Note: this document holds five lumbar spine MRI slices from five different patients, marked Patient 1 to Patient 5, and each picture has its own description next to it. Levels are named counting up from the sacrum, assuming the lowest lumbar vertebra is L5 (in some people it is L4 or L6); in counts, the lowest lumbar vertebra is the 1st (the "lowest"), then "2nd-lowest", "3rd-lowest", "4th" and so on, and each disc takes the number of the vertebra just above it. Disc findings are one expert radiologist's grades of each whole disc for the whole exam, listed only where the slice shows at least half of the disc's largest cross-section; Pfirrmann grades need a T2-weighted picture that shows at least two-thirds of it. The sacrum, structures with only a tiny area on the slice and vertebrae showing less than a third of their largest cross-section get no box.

Patient 1 of 5:
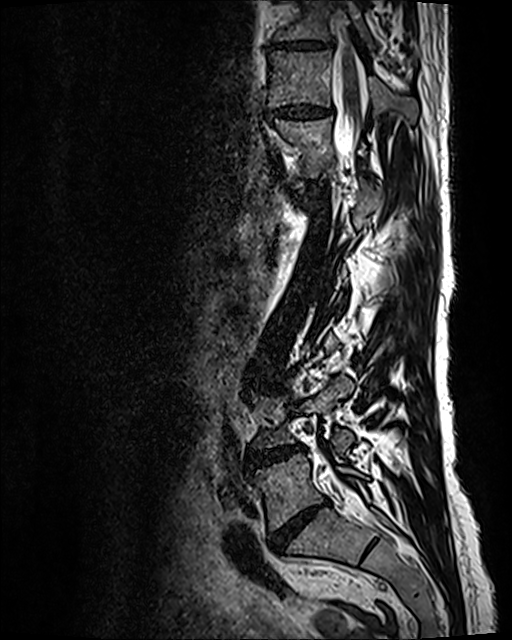 Field of view 240x300 mm | T2 SPACE (3D) sagittal MRI of the lumbar spine

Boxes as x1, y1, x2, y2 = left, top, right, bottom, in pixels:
- T12 — 275, 118, 334, 177
- L4/L5 — 247, 447, 301, 468
- IVD T11/T12 — 268, 103, 332, 119
- L5 — 252, 453, 367, 530
- T10 — 274, 2, 374, 50
- thecal sac / spinal canal — 323, 44, 366, 489
- IVD L5/S1 — 269, 502, 325, 550
- T11 vertebra — 268, 50, 417, 121
- T10/T11 — 271, 39, 332, 49
- L4 — 253, 375, 355, 456

Radiological gradings:
• L4/L5: disc narrowing, Modic type II, disc bulging
• T11/T12: Pfirrmann grade 3, disc bulging, disc narrowing
• L5/S1: Pfirrmann grade 5, lower-endplate change, Modic type II, disc bulging, disc narrowing, upper-endplate change
• T10/T11: Pfirrmann grade 3, disc bulging, disc narrowing

Patient 2 of 5:
Slice 21/27, MRI lumbar spine (T2-weighted), sagittal plane, Patient sex: M
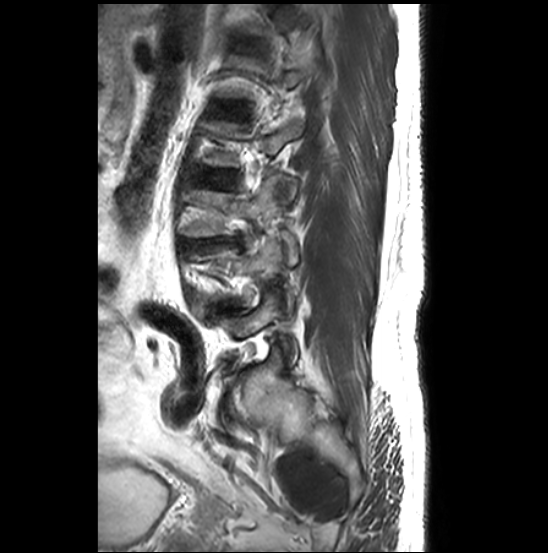
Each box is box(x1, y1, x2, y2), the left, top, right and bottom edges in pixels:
4th disc: box(191, 170, 236, 188)
3rd-lowest disc: box(182, 236, 241, 249)
3rd-lowest vertebra: box(179, 174, 298, 264)

Per-level radiological findings:
  3rd-lowest disc: Pfirrmann grade 5, Modic type II, upper-endplate change, disc narrowing, lower-endplate change, spondylolisthesis, disc herniation
  4th disc: no spondylolisthesis, narrowing, bulging, herniation, Modic or endplate change recorded

Patient 3 of 5:
Sagittal slice index 11 | MRI lumbar spine (T2-weighted), sagittal plane 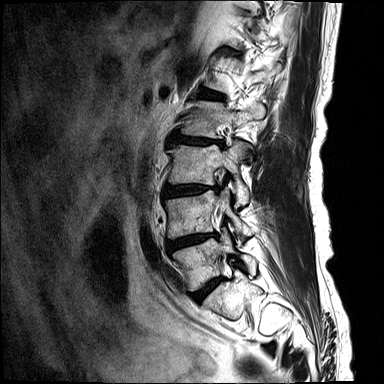 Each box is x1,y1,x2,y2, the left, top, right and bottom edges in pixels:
L5 = 171,233,256,291.
L3 = 168,141,249,206.
Intervertebral disc L2/L3 = 170,135,223,145.
L5/S1 = 192,277,223,302.
L2 = 181,100,265,160.
L1/L2 = 199,89,223,99.
L4 = 165,190,253,242.
Intervertebral disc L4/L5 = 169,233,217,249.
Intervertebral disc L3/L4 = 163,184,220,197.

Per-level radiological findings:
• L2/L3: Pfirrmann grade 4, disc bulging, Modic type II, lower-endplate change, upper-endplate change, disc narrowing
• L4/L5: Pfirrmann grade 4, Modic type I, disc narrowing, lower-endplate change, upper-endplate change, disc bulging
• L3/L4: Pfirrmann grade 4, disc bulging, upper-endplate change, disc narrowing, disc herniation, lower-endplate change, Modic type II

Patient 4 of 5:
Sex F. T1-weighted sagittal MRI of the lumbar spine. 448x448 px. Sagittal slice index 16.

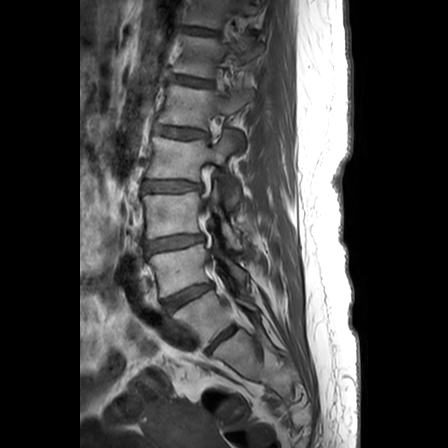
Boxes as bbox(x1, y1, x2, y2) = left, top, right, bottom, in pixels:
T12 (6th vertebra) at bbox(173, 35, 257, 77) | L3 (3rd-lowest vertebra) at bbox(143, 186, 240, 248) | L4/L5 (2nd-lowest disc) at bbox(164, 284, 211, 312) | T12/L1 (6th disc) at bbox(170, 75, 209, 86) | L2/L3 (4th disc) at bbox(143, 181, 201, 192) | L2 (4th vertebra) at bbox(146, 130, 239, 210) | T11/T12 (7th disc) at bbox(183, 27, 216, 34) | IVD L1/L2 (5th disc) at bbox(153, 127, 206, 138) | L3/L4 (3rd-lowest disc) at bbox(144, 235, 202, 254) | L4 (2nd-lowest vertebra) at bbox(149, 233, 247, 297) | L5 (lowest vertebra) at bbox(174, 290, 258, 348) | T11 (7th vertebra) at bbox(185, 0, 255, 28) | L5/S1 (lowest disc) at bbox(207, 326, 236, 352) | L1 (5th vertebra) at bbox(159, 82, 253, 139)

Expert MSK radiologist gradings (per disc):
  L4/L5 (2nd-lowest disc): disc bulging, disc narrowing
  L1/L2 (5th disc): disc bulging, lower-endplate change, upper-endplate change
  T12/L1 (6th disc): lower-endplate change, upper-endplate change
  T11/T12 (7th disc): upper-endplate change, lower-endplate change
  L3/L4 (3rd-lowest disc): disc bulging, upper-endplate change, lower-endplate change
  L2/L3 (4th disc): disc bulging, upper-endplate change, lower-endplate change
  L5/S1 (lowest disc): no herniation, bulging, narrowing, spondylolisthesis, endplate or Modic change recorded

Patient 5 of 5:
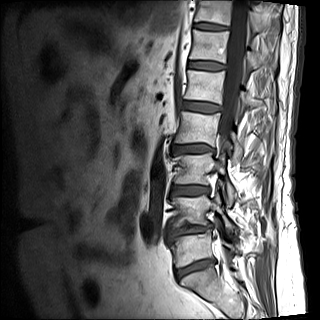 Lumbar spine MR, T1-weighted, sagittal | Patient sex: M
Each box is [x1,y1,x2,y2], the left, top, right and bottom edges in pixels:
Annotations:
• 2nd-lowest vertebra = [169,193,236,233]
• 3rd-lowest vertebra = [174,153,236,207]
• 4th disc = [173,145,213,153]
• 5th disc = [182,101,222,112]
• 6th disc = [188,62,225,70]
• 3rd-lowest disc = [171,186,209,195]
• 7th vertebra = [195,0,261,32]
• 6th vertebra = [190,30,260,68]
• 2nd-lowest disc = [167,223,211,239]
• lowest vertebra = [169,230,239,267]
• 4th vertebra = [174,111,242,165]
• thecal sac / spinal canal = [220,0,249,182]
• 5th vertebra = [184,70,274,112]
• 7th disc = [194,23,227,30]
• lowest disc = [175,260,215,279]

Degenerative findings by level:
- lowest disc: disc narrowing, Modic type II, upper-endplate change, lower-endplate change, disc bulging
- 2nd-lowest disc: upper-endplate change, disc narrowing, lower-endplate change, Modic type II, disc bulging
- 3rd-lowest disc: disc bulging, Modic type II, lower-endplate change, upper-endplate change
- 4th disc: upper-endplate change, Modic type II, lower-endplate change, disc bulging, disc narrowing
- 6th disc, 5th disc, 7th disc: no herniation, bulging, narrowing, spondylolisthesis, endplate or Modic change recorded